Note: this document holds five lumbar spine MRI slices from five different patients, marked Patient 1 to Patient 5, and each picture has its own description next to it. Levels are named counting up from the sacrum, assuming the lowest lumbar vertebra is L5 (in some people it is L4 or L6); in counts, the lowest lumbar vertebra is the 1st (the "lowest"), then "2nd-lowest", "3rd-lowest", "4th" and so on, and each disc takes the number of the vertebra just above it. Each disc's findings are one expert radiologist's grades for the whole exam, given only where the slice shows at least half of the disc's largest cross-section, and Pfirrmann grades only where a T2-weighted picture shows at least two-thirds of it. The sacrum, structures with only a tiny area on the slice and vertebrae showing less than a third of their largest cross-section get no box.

Patient 1 of 5:
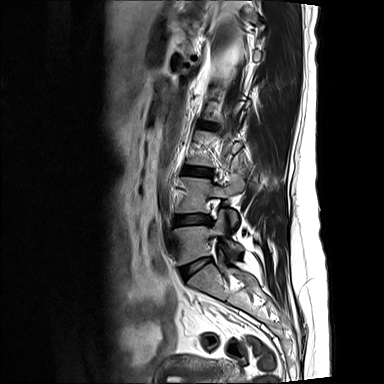 Image 384x384 | Patient sex: F | Sagittal T2-weighted lumbar spine MRI
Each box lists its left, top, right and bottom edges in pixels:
- 2nd-lowest disc: left=174, top=215, right=210, bottom=224
- lowest disc: left=181, top=258, right=209, bottom=279
- 2nd-lowest vertebra: left=176, top=173, right=244, bottom=224
- 3rd-lowest disc: left=183, top=166, right=211, bottom=176
- 4th disc: left=201, top=123, right=214, bottom=128
- lowest vertebra: left=173, top=210, right=242, bottom=265

Radiological gradings:
- 2nd-lowest disc: disc bulging, Modic type II
- lowest disc: disc bulging
- 3rd-lowest disc: no spondylolisthesis, narrowing, bulging, herniation, Modic or endplate change recorded

Patient 2 of 5:
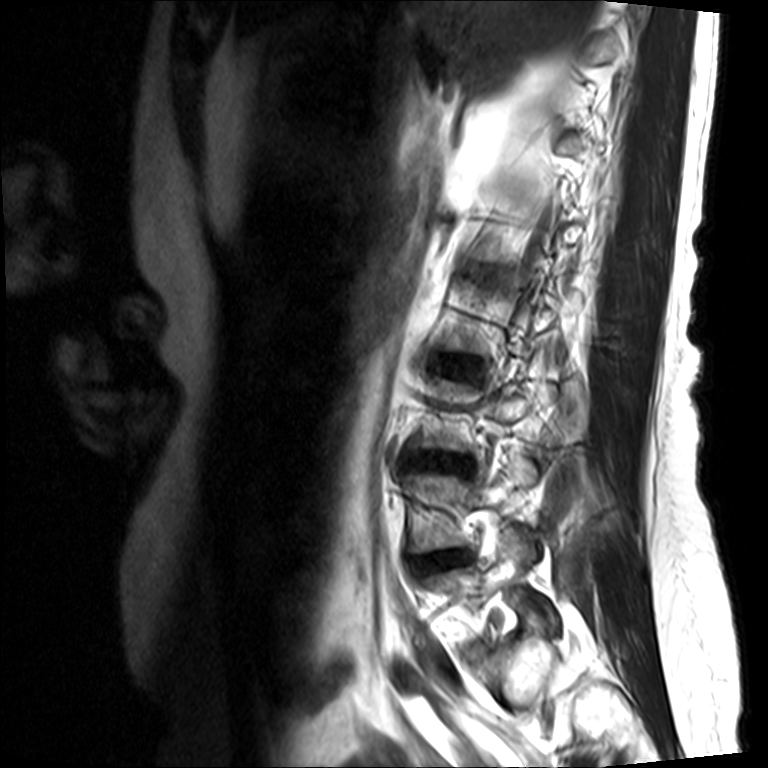 Lumbar spine MR, T2-weighted, sagittal. Field of view 280x280 mm, slice spacing 4.4 mm.
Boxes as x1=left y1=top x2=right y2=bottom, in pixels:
L4/L5 at x1=415 y1=552 x2=465 y2=571, L2/L3 at x1=451 y1=363 x2=459 y2=370, intervertebral disc L3/L4 at x1=418 y1=452 x2=464 y2=471, L5 vertebra at x1=433 y1=529 x2=557 y2=624.

Patient 3 of 5:
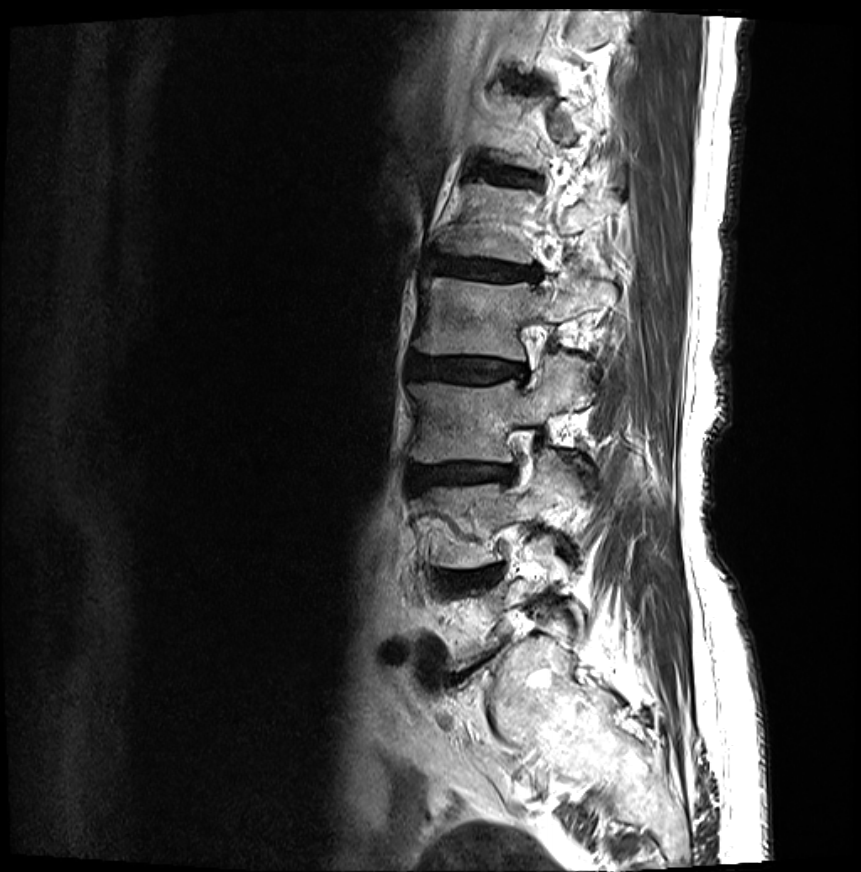 Lumbar spine MR, T2-weighted, sagittal, 861x872 px

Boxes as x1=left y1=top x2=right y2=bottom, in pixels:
6th disc: x1=491 y1=169 x2=530 y2=182.
5th vertebra: x1=439 y1=183 x2=611 y2=263.
2nd-lowest vertebra: x1=422 y1=450 x2=579 y2=568.
3rd-lowest disc: x1=409 y1=464 x2=515 y2=487.
2nd-lowest disc: x1=439 y1=566 x2=500 y2=587.
5th disc: x1=425 y1=257 x2=539 y2=281.
3rd-lowest vertebra: x1=409 y1=354 x2=593 y2=463.
4th vertebra: x1=414 y1=271 x2=614 y2=362.
4th disc: x1=410 y1=357 x2=524 y2=382.

Radiological gradings:
• 3rd-lowest disc: Pfirrmann grade 4, Modic type II, upper-endplate change, disc narrowing, lower-endplate change, disc bulging
• 5th disc: Pfirrmann grade 4, disc bulging, disc narrowing, upper-endplate change, lower-endplate change, Modic type II
• 4th disc: Pfirrmann grade 4, upper-endplate change, disc narrowing, Modic type II, disc bulging, lower-endplate change

Patient 4 of 5:
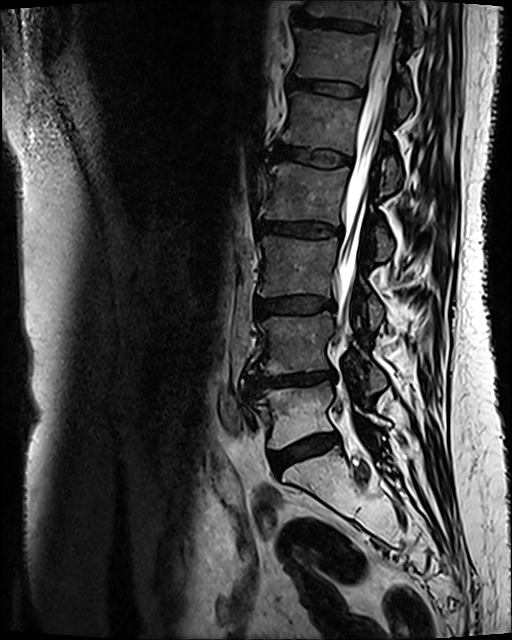

Lumbar spine MR, T2 SPACE (3D), sagittal, Slice 77 of 120, Image 512x640

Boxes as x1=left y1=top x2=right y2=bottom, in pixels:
L5 = x1=254 y1=382 x2=388 y2=448.
L2/L3 = x1=259 y1=222 x2=342 y2=236.
Intervertebral disc T12/L1 = x1=288 y1=78 x2=362 y2=96.
T12 vertebra = x1=294 y1=28 x2=412 y2=117.
L4/L5 = x1=243 y1=370 x2=334 y2=393.
Intervertebral disc L1/L2 = x1=270 y1=142 x2=350 y2=167.
T11 = x1=306 y1=0 x2=423 y2=45.
L1 vertebra = x1=282 y1=91 x2=400 y2=194.
L4 = x1=247 y1=312 x2=387 y2=394.
L3/L4 = x1=256 y1=297 x2=333 y2=314.
T11/T12 = x1=294 y1=13 x2=372 y2=31.
Thecal sac / spinal canal = x1=336 y1=18 x2=396 y2=342.
L3 vertebra = x1=258 y1=235 x2=382 y2=327.
Intervertebral disc L5/S1 = x1=271 y1=434 x2=339 y2=472.
L2 = x1=266 y1=164 x2=393 y2=260.

Expert MSK radiologist gradings (per disc):
- L3/L4: Pfirrmann grade 3, disc bulging, Modic type II
- T11/T12: Pfirrmann grade 4, upper-endplate change, Modic type II, lower-endplate change
- L4/L5: lower-endplate change, disc bulging, upper-endplate change, disc narrowing, Modic type II
- L1/L2: Pfirrmann grade 3, Modic type II
- T12/L1: Pfirrmann grade 3, Modic type II
- L5/S1: Pfirrmann grade 3, disc bulging, Modic type II
- L2/L3: Pfirrmann grade 3, Modic type II, disc bulging

Patient 5 of 5:
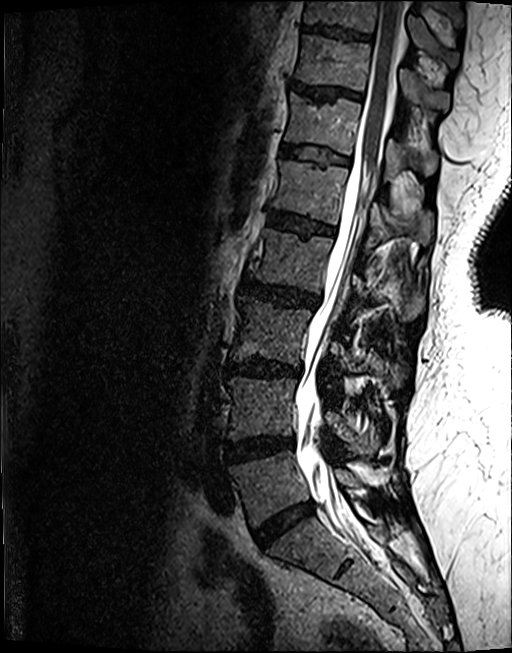 Sagittal slice index 56. Slice spacing 0.9 mm. T2 SPACE (3D) sagittal MRI of the lumbar spine.

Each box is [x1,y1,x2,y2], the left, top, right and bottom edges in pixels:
L3/L4 at [227,360,300,376], L3 at [230,296,405,387], T10 at [305,0,459,66], disc L1/L2 at [268,211,333,234], disc L2/L3 at [242,278,318,307], L2 at [250,228,424,320], disc T10/T11 at [304,24,370,38], L4 at [227,376,381,454], L5 at [228,451,360,527], L4/L5 at [225,436,293,461], T11/T12 at [291,81,361,98], T12/L1 at [282,144,348,163], L5/S1 at [255,502,313,547], T12 vertebra at [285,93,436,175], L1 vertebra at [272,160,432,247], thecal sac / spinal canal at [294,0,405,547], T11 vertebra at [296,33,448,109].

Degenerative findings by level:
- T11/T12: Pfirrmann grade 4, upper-endplate change
- L1/L2: Pfirrmann grade 4, Modic type II, lower-endplate change, upper-endplate change
- T12/L1: Pfirrmann grade 3, lower-endplate change, upper-endplate change
- L3/L4: Pfirrmann grade 4, disc bulging, disc narrowing, lower-endplate change, Modic type II, upper-endplate change
- L5/S1: Pfirrmann grade 4, disc bulging, disc narrowing
- L2/L3: Pfirrmann grade 4, disc bulging, upper-endplate change, lower-endplate change
- T10/T11: Pfirrmann grade 4, lower-endplate change, upper-endplate change
- L4/L5: Pfirrmann grade 4, lower-endplate change, disc bulging, Modic type II